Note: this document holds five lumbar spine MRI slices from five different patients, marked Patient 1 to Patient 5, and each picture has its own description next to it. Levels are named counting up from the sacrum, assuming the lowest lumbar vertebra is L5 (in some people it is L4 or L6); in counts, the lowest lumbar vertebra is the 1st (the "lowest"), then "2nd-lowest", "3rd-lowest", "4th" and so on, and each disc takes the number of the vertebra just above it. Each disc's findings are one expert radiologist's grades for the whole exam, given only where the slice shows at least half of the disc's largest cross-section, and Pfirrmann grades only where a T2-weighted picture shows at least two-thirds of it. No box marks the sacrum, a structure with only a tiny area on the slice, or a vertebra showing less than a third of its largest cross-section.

Patient 1 of 5:
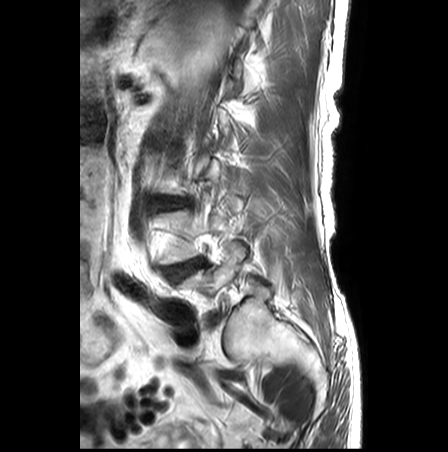

Slice 23/27; T2-weighted sagittal MRI of the lumbar spine
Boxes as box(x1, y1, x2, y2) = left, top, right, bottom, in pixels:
{"L5": "box(183, 243, 244, 294)", "IVD L4/L5": "box(167, 259, 202, 279)"}

Patient 2 of 5:
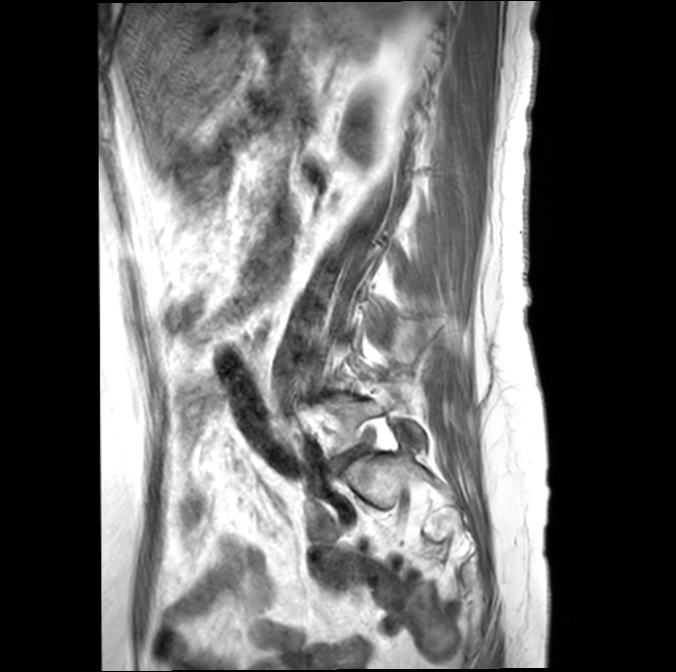 Slice 5 of 21 | Lumbar spine MR, T1-weighted, sagittal
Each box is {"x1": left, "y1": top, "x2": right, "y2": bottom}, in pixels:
lowest vertebra: {"x1": 313, "y1": 380, "x2": 424, "y2": 451} | lowest disc: {"x1": 342, "y1": 448, "x2": 361, "y2": 462}

Patient 3 of 5:
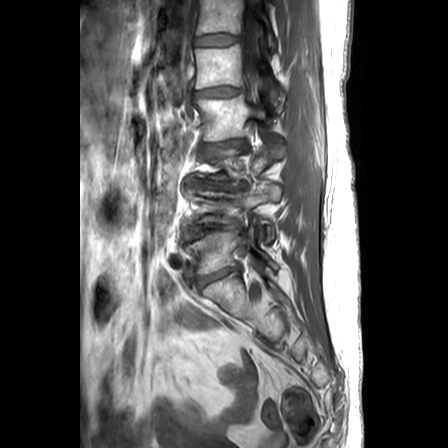 T1-weighted sagittal MRI of the lumbar spine, Patient sex: F
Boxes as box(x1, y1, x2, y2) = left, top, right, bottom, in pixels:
Segmented structures:
- L1/L2 at box(193, 86, 245, 96)
- L1 vertebra at box(195, 44, 285, 112)
- L4 vertebra at box(183, 184, 281, 243)
- L2/L3 at box(200, 139, 248, 154)
- L2 at box(194, 94, 265, 141)
- T12 at box(196, 0, 275, 52)
- T12/L1 at box(194, 34, 240, 44)
- L3/L4 at box(194, 180, 246, 188)
- L5 at box(185, 223, 279, 274)
- thecal sac / spinal canal at box(242, 0, 258, 101)
- disc L4/L5 at box(181, 222, 240, 242)
- L5/S1 at box(197, 267, 240, 287)

Expert MSK radiologist gradings (per disc):
  L3/L4: lower-endplate change, disc narrowing, Modic type II, disc bulging, upper-endplate change
  L4/L5: disc narrowing, upper-endplate change, disc bulging, lower-endplate change, Modic type II
  L2/L3: upper-endplate change, disc bulging, lower-endplate change, disc narrowing
  L1/L2: disc bulging
  T12/L1: no spondylolisthesis, narrowing, bulging, herniation, Modic or endplate change recorded

Patient 4 of 5:
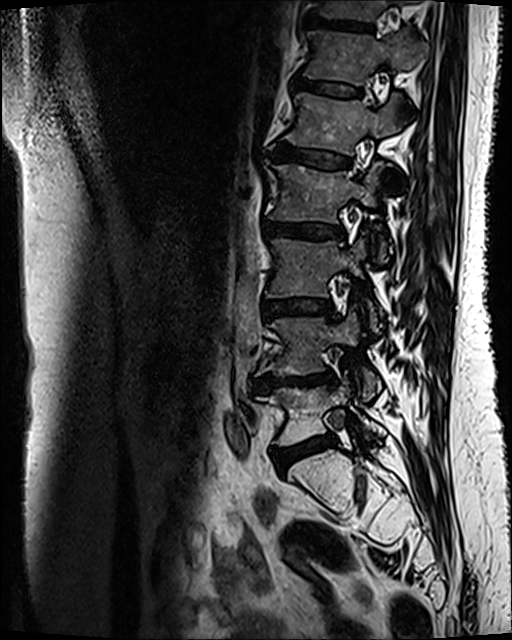
Sagittal slice index 82; Sex F; Sagittal T2 SPACE (3D) lumbar spine MRI

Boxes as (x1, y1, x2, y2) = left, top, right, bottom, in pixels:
L5 (lowest vertebra): (257, 381, 384, 446).
L2 (4th vertebra): (272, 163, 387, 261).
L1 (5th vertebra): (285, 93, 400, 154).
Disc L2/L3 (4th disc): (266, 222, 344, 239).
L4 (2nd-lowest vertebra): (257, 312, 380, 399).
Disc L1/L2 (5th disc): (270, 142, 349, 167).
Disc T11/T12 (7th disc): (305, 16, 373, 31).
Disc L5/S1 (lowest disc): (272, 435, 336, 471).
T11 (7th vertebra): (318, 0, 417, 21).
Disc L4/L5 (2nd-lowest disc): (250, 370, 334, 392).
T12 (6th vertebra): (304, 32, 426, 83).
L3/L4 (3rd-lowest disc): (261, 299, 332, 316).
L3 (3rd-lowest vertebra): (267, 237, 379, 330).
Disc T12/L1 (6th disc): (293, 79, 361, 95).

Degenerative findings by level:
- L5/S1 (lowest disc): Modic type II, disc bulging
- L3/L4 (3rd-lowest disc): Pfirrmann grade 3, disc bulging, Modic type II
- T12/L1 (6th disc): Pfirrmann grade 3, Modic type II
- T11/T12 (7th disc): upper-endplate change, lower-endplate change, Modic type II
- L4/L5 (2nd-lowest disc): Pfirrmann grade 4, disc narrowing, lower-endplate change, upper-endplate change, disc bulging, Modic type II
- L1/L2 (5th disc): Pfirrmann grade 3, Modic type II
- L2/L3 (4th disc): Pfirrmann grade 3, disc bulging, Modic type II

Patient 5 of 5:
MRI lumbar spine (T2 SPACE (3D)), sagittal plane. Sagittal slice index 59. Patient sex: F.
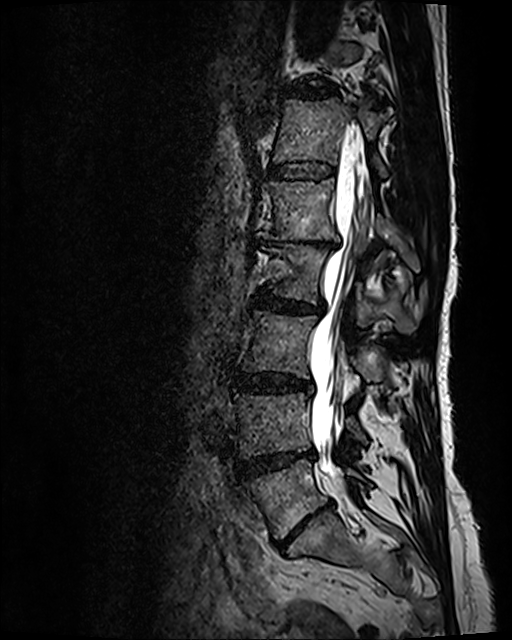
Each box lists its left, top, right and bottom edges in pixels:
Segmented structures:
- L2 (4th vertebra) = left=267, top=247, right=417, bottom=333
- L5 (lowest vertebra) = left=241, top=458, right=370, bottom=538
- L3 (3rd-lowest vertebra) = left=243, top=311, right=383, bottom=383
- IVD L3/L4 (3rd-lowest disc) = left=234, top=374, right=312, bottom=392
- L4 (2nd-lowest vertebra) = left=234, top=393, right=366, bottom=459
- L1 (5th vertebra) = left=258, top=178, right=423, bottom=273
- L1/L2 (5th disc) = left=261, top=236, right=339, bottom=249
- thecal sac / spinal canal = left=308, top=130, right=368, bottom=479
- L2/L3 (4th disc) = left=255, top=289, right=323, bottom=313
- T12 (6th vertebra) = left=274, top=98, right=387, bottom=177
- L4/L5 (2nd-lowest disc) = left=237, top=452, right=314, bottom=476
- T12/L1 (6th disc) = left=266, top=161, right=334, bottom=180
- L5/S1 (lowest disc) = left=277, top=504, right=328, bottom=548
- IVD T11/T12 (7th disc) = left=283, top=81, right=342, bottom=98

Radiological gradings:
  L3/L4 (3rd-lowest disc): Pfirrmann grade 3, disc bulging
  T12/L1 (6th disc): Pfirrmann grade 2
  L1/L2 (5th disc): Pfirrmann grade 5, lower-endplate change, upper-endplate change, Modic type II, disc bulging, disc narrowing
  T11/T12 (7th disc): Pfirrmann grade 3, disc bulging, disc narrowing
  L4/L5 (2nd-lowest disc): Pfirrmann grade 4, disc bulging, Modic type II, disc narrowing
  L2/L3 (4th disc): disc narrowing, disc bulging